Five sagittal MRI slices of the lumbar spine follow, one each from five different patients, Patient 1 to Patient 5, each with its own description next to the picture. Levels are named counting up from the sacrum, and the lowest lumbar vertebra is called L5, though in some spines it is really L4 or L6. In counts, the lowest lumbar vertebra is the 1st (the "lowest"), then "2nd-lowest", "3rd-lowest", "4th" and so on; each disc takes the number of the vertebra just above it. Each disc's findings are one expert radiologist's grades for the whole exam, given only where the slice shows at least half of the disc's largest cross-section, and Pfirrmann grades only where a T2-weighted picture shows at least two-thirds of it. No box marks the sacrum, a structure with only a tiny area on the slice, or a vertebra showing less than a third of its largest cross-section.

Patient 1 of 5:
Sagittal T2-weighted lumbar spine MRI | Sagittal slice index 6

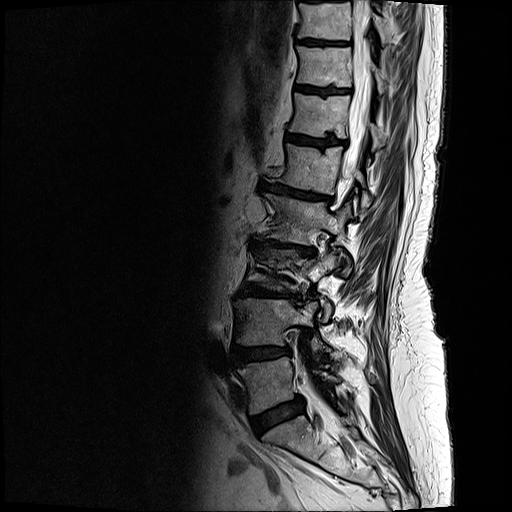 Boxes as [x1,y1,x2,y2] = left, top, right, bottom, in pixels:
Annotations:
- spinal canal = [342,0,370,179]
- T11 = [297,47,384,94]
- T12/L1 = [286,135,346,146]
- T12 vertebra = [289,92,383,149]
- T10/T11 = [298,39,333,46]
- L5 vertebra = [237,356,339,414]
- disc L4/L5 = [231,346,290,366]
- disc L3/L4 = [237,282,295,301]
- T10 vertebra = [298,0,417,50]
- L2/L3 = [247,236,316,256]
- L3 vertebra = [256,249,334,321]
- disc T11/T12 = [296,86,342,94]
- disc L5/S1 = [250,396,304,434]
- L1 = [271,143,371,208]
- L2 = [265,193,350,273]
- L4 = [233,298,325,348]
- L1/L2 = [260,182,329,201]

Per-level radiological findings:
- T12/L1: Pfirrmann grade 4, Modic type II, upper-endplate change, lower-endplate change
- L1/L2: Pfirrmann grade 5, disc narrowing, Modic type II, upper-endplate change, disc bulging, lower-endplate change
- L3/L4: upper-endplate change, disc narrowing, Modic type II, disc bulging, lower-endplate change
- T10/T11: Pfirrmann grade 4, upper-endplate change, lower-endplate change
- L2/L3: Pfirrmann grade 5, Modic type II, disc bulging, upper-endplate change, lower-endplate change, disc narrowing
- L5/S1: Pfirrmann grade 4, disc bulging
- L4/L5: Pfirrmann grade 4, lower-endplate change, disc bulging, upper-endplate change
- T11/T12: Pfirrmann grade 4, upper-endplate change, lower-endplate change

Patient 2 of 5:
Sex M | T1-weighted sagittal MRI of the lumbar spine
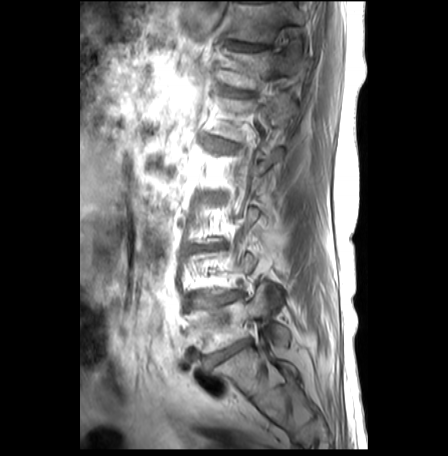 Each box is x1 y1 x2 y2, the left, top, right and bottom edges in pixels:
Lowest disc at 204 339 250 367, 7th disc at 224 41 268 52, lowest vertebra at 187 285 290 353, 6th vertebra at 218 50 300 90, 7th vertebra at 227 4 304 44, 5th disc at 206 138 236 151, 6th disc at 220 87 248 98, 5th vertebra at 216 99 295 142, 2nd-lowest disc at 188 293 241 311.

Per-level radiological findings:
  5th disc: lower-endplate change, upper-endplate change, disc bulging, Modic type II
  7th disc: lower-endplate change, Modic type II, upper-endplate change
  lowest disc: disc bulging, Modic type II, disc narrowing

Patient 3 of 5:
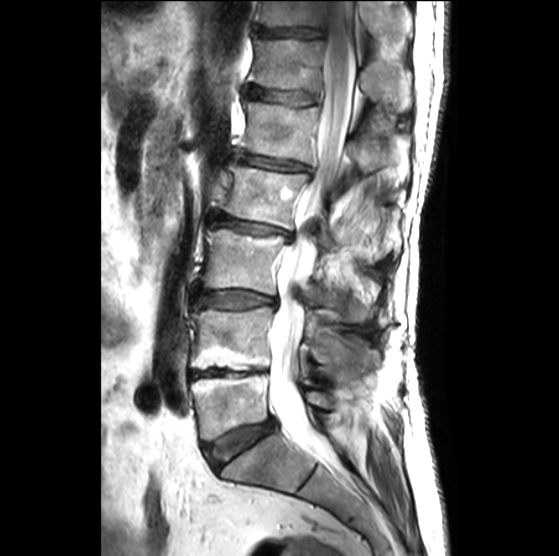 Field of view 282x281 mm | MRI lumbar spine (T2-weighted), sagittal plane | Slice 13 of 27
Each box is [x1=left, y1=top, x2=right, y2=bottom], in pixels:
T12/L1: [x1=246, y1=86, x2=316, y2=105]
L4: [x1=191, y1=306, x2=378, y2=370]
L3: [x1=202, y1=229, x2=367, y2=321]
T11 vertebra: [x1=257, y1=1, x2=411, y2=37]
L1/L2: [x1=234, y1=155, x2=310, y2=172]
L1: [x1=235, y1=101, x2=409, y2=181]
intervertebral disc L5/S1: [x1=206, y1=419, x2=274, y2=470]
L4/L5: [x1=191, y1=368, x2=268, y2=377]
spinal canal: [x1=269, y1=1, x2=354, y2=466]
L2: [x1=221, y1=162, x2=396, y2=249]
L2/L3: [x1=209, y1=214, x2=291, y2=237]
L5: [x1=191, y1=373, x2=332, y2=441]
L3/L4: [x1=195, y1=290, x2=276, y2=307]
T11/T12: [x1=255, y1=26, x2=323, y2=37]
T12: [x1=248, y1=37, x2=411, y2=109]

Expert MSK radiologist gradings (per disc):
- L1/L2: Pfirrmann grade 3, upper-endplate change, disc bulging, Modic type III, disc narrowing, lower-endplate change
- L2/L3: Pfirrmann grade 3, disc bulging, disc narrowing, upper-endplate change, Modic type II, lower-endplate change
- L4/L5: Pfirrmann grade 5, Modic type II, disc narrowing, upper-endplate change, lower-endplate change
- L3/L4: Pfirrmann grade 2, disc bulging
- T12/L1: Pfirrmann grade 3, disc narrowing
- T11/T12: Pfirrmann grade 4, disc narrowing
- L5/S1: Pfirrmann grade 3, disc bulging

Patient 4 of 5:
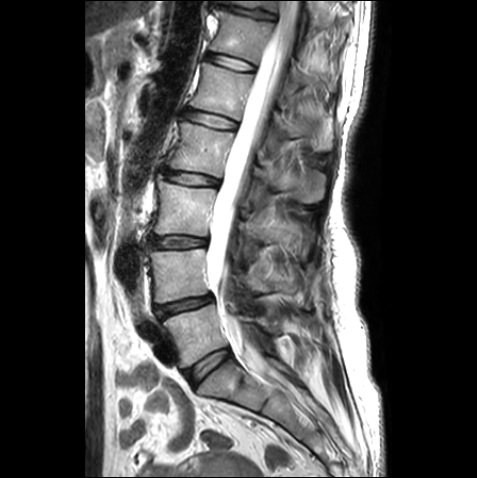

477x478 px, Patient sex: F, Slice 15 of 25, Lumbar spine MR, T2-weighted, sagittal

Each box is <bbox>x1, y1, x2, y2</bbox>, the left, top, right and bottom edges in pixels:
T11: <bbox>222, 0, 323, 25</bbox> | thecal sac / spinal canal: <bbox>207, 0, 299, 371</bbox> | L2: <bbox>166, 120, 325, 203</bbox> | L3/L4: <bbox>151, 236, 206, 247</bbox> | L3 vertebra: <bbox>153, 175, 308, 249</bbox> | T12/L1: <bbox>207, 52, 253, 71</bbox> | intervertebral disc T11/T12: <bbox>215, 2, 275, 21</bbox> | L5: <bbox>163, 304, 278, 367</bbox> | L4/L5: <bbox>155, 295, 213, 318</bbox> | T12: <bbox>210, 9, 335, 90</bbox> | L1 vertebra: <bbox>191, 63, 333, 150</bbox> | intervertebral disc L2/L3: <bbox>162, 168, 218, 186</bbox> | L5/S1: <bbox>184, 349, 229, 386</bbox> | intervertebral disc L1/L2: <bbox>185, 109, 236, 129</bbox> | L4 vertebra: <bbox>150, 249, 274, 302</bbox>

Per-level radiological findings:
• L3/L4: Pfirrmann grade 2, disc bulging, disc narrowing
• L5/S1: Pfirrmann grade 1
• L2/L3: Pfirrmann grade 2, upper-endplate change, disc bulging, lower-endplate change
• T11/T12: Pfirrmann grade 1, disc narrowing, upper-endplate change, lower-endplate change
• L1/L2: Pfirrmann grade 1, upper-endplate change, lower-endplate change
• T12/L1: Pfirrmann grade 1, upper-endplate change, lower-endplate change
• L4/L5: Pfirrmann grade 3, disc bulging, upper-endplate change, disc narrowing, lower-endplate change

Patient 5 of 5:
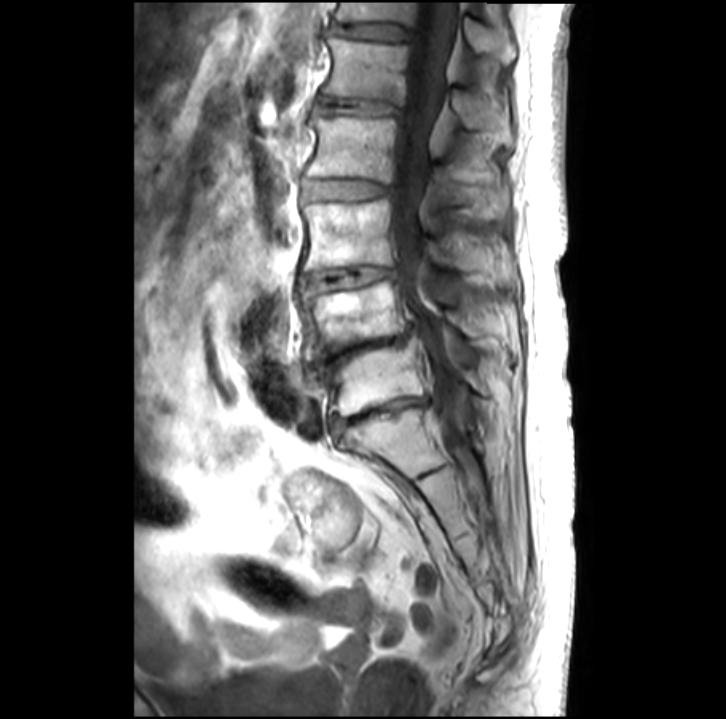
Lumbar spine MR, T1-weighted, sagittal | Patient sex: F | Image 726x719

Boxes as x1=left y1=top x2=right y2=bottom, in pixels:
L3 — x1=301 y1=199 x2=510 y2=284.
L5 — x1=321 y1=337 x2=487 y2=415.
Disc L1/L2 — x1=319 y1=98 x2=397 y2=113.
Spinal canal — x1=390 y1=0 x2=468 y2=452.
T12 vertebra — x1=335 y1=1 x2=516 y2=62.
L4 vertebra — x1=301 y1=280 x2=482 y2=360.
L2 vertebra — x1=306 y1=110 x2=508 y2=217.
L4/L5 — x1=312 y1=326 x2=415 y2=375.
L1 — x1=322 y1=36 x2=513 y2=143.
L2/L3 — x1=304 y1=179 x2=387 y2=198.
T12/L1 — x1=332 y1=23 x2=409 y2=39.
L3/L4 — x1=303 y1=266 x2=393 y2=290.
Disc L5/S1 — x1=332 y1=399 x2=424 y2=427.

Degenerative findings by level:
- T12/L1: disc bulging
- L4/L5: disc narrowing
- L1/L2: disc narrowing, disc bulging
- L3/L4: Modic type II, disc narrowing
- L5/S1: Modic type II, disc narrowing
- L2/L3: no spondylolisthesis, narrowing, bulging, herniation, Modic or endplate change recorded